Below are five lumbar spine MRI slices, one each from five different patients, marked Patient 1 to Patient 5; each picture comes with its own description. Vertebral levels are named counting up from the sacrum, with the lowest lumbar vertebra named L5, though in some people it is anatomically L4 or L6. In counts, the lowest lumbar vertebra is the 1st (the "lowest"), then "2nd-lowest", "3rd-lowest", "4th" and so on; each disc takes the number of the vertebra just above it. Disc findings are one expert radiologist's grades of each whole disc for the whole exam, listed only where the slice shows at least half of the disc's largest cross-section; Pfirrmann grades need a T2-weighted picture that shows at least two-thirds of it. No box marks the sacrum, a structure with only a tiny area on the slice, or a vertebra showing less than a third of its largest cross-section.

Patient 1 of 5:
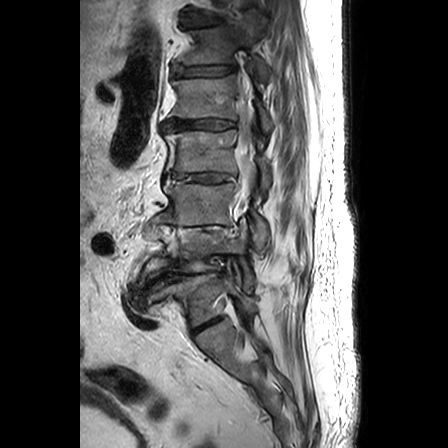 448x448 px. T2-weighted sagittal MRI of the lumbar spine.
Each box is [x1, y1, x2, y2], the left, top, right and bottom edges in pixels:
L1 (5th vertebra) at [169, 75, 274, 132] | L2 (4th vertebra) at [164, 130, 272, 191] | T11/T12 (7th disc) at [182, 17, 223, 26] | L3 (3rd-lowest vertebra) at [161, 181, 269, 254] | intervertebral disc T12/L1 (6th disc) at [172, 66, 234, 77] | L4 (2nd-lowest vertebra) at [140, 223, 254, 292] | L1/L2 (5th disc) at [162, 120, 233, 130] | T12 (6th vertebra) at [175, 16, 270, 85] | intervertebral disc L2/L3 (4th disc) at [171, 173, 232, 182] | L4/L5 (2nd-lowest disc) at [146, 269, 210, 286] | L5 (lowest vertebra) at [159, 272, 255, 327] | intervertebral disc L3/L4 (3rd-lowest disc) at [168, 224, 229, 231] | thecal sac / spinal canal at [237, 80, 255, 205] | L5/S1 (lowest disc) at [193, 319, 216, 332]

Expert MSK radiologist gradings (per disc):
• T12/L1 (6th disc): Pfirrmann grade 4, disc narrowing, disc bulging, disc herniation
• L2/L3 (4th disc): Pfirrmann grade 4, disc bulging, disc narrowing
• L1/L2 (5th disc): Pfirrmann grade 4, disc narrowing, disc bulging
• T11/T12 (7th disc): Pfirrmann grade 3, disc narrowing, disc bulging, upper-endplate change

Patient 2 of 5:
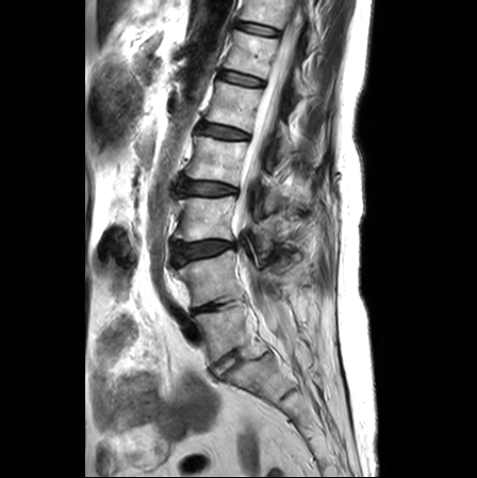

Slice 15 of 25 | Slice spacing 3.3 mm | 477x478 px | Lumbar spine MR, T2-weighted, sagittal

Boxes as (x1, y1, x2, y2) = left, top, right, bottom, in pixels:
L3/L4 — (174, 241, 234, 263) | T12 vertebra — (225, 30, 311, 97) | L5 vertebra — (193, 301, 266, 361) | T11 vertebra — (241, 0, 318, 49) | T12/L1 — (220, 71, 264, 85) | T11/T12 — (239, 22, 279, 35) | L5/S1 — (211, 349, 244, 377) | L3 — (175, 196, 281, 249) | thecal sac / spinal canal — (235, 6, 301, 355) | intervertebral disc L4/L5 — (195, 302, 220, 311) | L2/L3 — (180, 180, 236, 195) | L2 vertebra — (185, 135, 285, 209) | intervertebral disc L1/L2 — (199, 123, 247, 138) | L1 — (205, 81, 324, 164) | L4 — (172, 250, 278, 306)

Degenerative findings by level:
  L1/L2: Pfirrmann grade 2, upper-endplate change, lower-endplate change
  L2/L3: Pfirrmann grade 2, upper-endplate change, lower-endplate change, disc bulging
  T11/T12: Pfirrmann grade 1
  L3/L4: Pfirrmann grade 3, disc bulging, Modic type II, lower-endplate change, upper-endplate change
  L4/L5: Pfirrmann grade 3, disc narrowing
  L5/S1: Pfirrmann grade 1
  T12/L1: Pfirrmann grade 1

Patient 3 of 5:
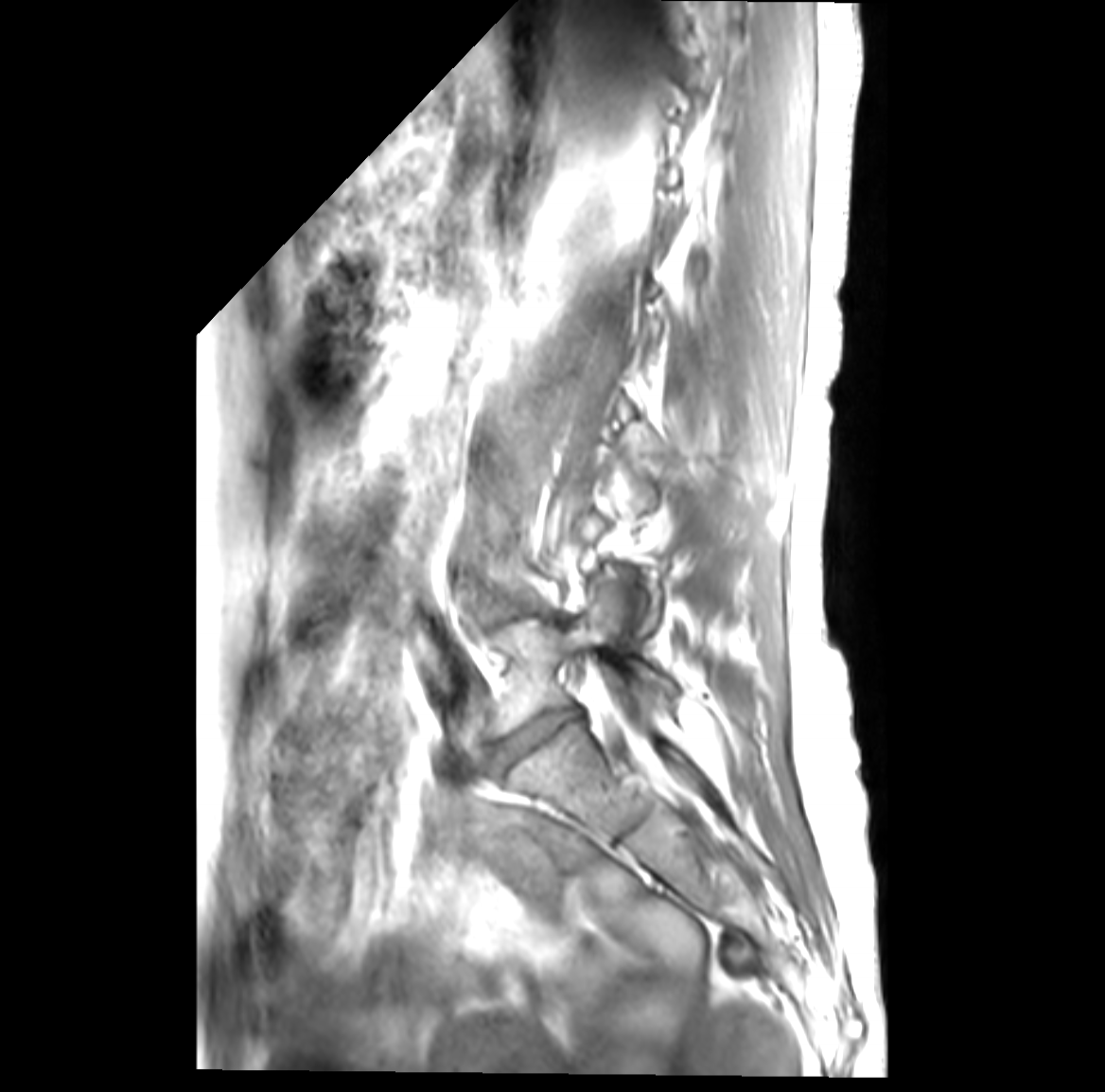 Image 1105x1092; MRI lumbar spine (T1-weighted), sagittal plane; Patient sex: F

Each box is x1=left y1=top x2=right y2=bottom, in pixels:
Intervertebral disc L5/S1 at x1=493 y1=711 x2=576 y2=764, L4/L5 at x1=496 y1=605 x2=523 y2=615, L5 vertebra at x1=490 y1=577 x2=677 y2=735.

Radiological gradings:
- L5/S1: disc narrowing, Modic type II, disc bulging

Patient 4 of 5:
MRI lumbar spine (T2 SPACE (3D)), sagittal plane; SIEMENS Skyra (3T); Slice 57/144
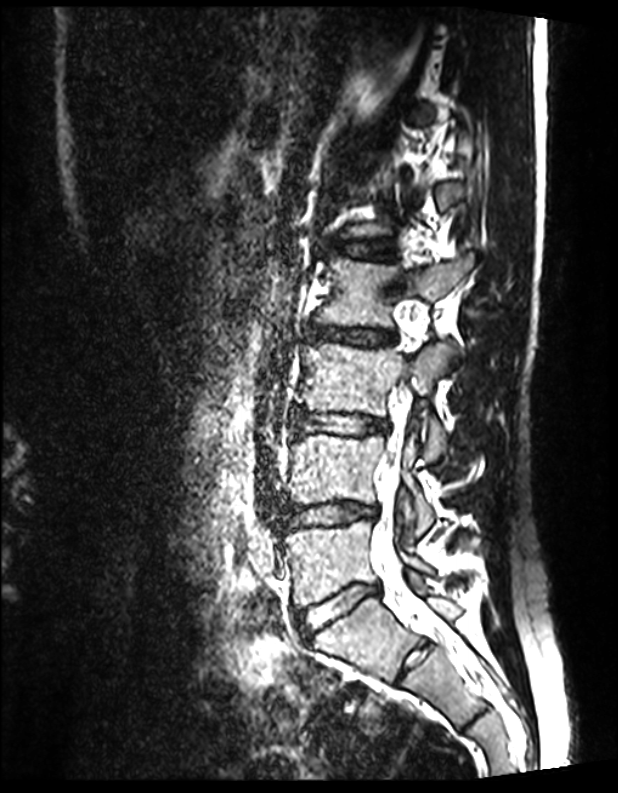

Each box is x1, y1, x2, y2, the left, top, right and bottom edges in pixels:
Annotations:
- intervertebral disc L2/L3 — 307, 324, 395, 346
- L4 vertebra — 287, 433, 433, 535
- L1/L2 — 327, 240, 391, 258
- intervertebral disc L4/L5 — 281, 501, 376, 528
- intervertebral disc L3/L4 — 294, 410, 387, 434
- L5 vertebra — 284, 520, 432, 606
- L5/S1 — 296, 585, 378, 636
- L2 — 317, 253, 474, 327
- L3 — 296, 343, 447, 460
- spinal canal — 372, 383, 457, 647

Per-level radiological findings:
- L5/S1: Pfirrmann grade 1
- L3/L4: Pfirrmann grade 1
- L2/L3: Pfirrmann grade 1
- L4/L5: Pfirrmann grade 1
- L1/L2: no spondylolisthesis, narrowing, bulging, herniation, Modic or endplate change recorded

Patient 5 of 5:
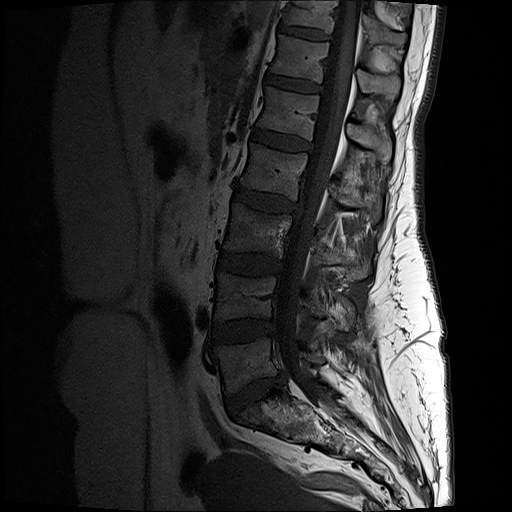 T1-weighted sagittal MRI of the lumbar spine | 512x512 px
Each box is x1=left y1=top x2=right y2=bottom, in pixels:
L4: x1=214 y1=272 x2=355 y2=329 | T12/L1: x1=266 y1=74 x2=321 y2=91 | L2: x1=242 y1=143 x2=381 y2=222 | T12: x1=271 y1=34 x2=401 y2=97 | intervertebral disc L1/L2: x1=252 y1=129 x2=312 y2=149 | T11: x1=283 y1=0 x2=407 y2=46 | intervertebral disc L5/S1: x1=227 y1=376 x2=281 y2=414 | spinal canal: x1=277 y1=0 x2=361 y2=411 | L5: x1=217 y1=338 x2=321 y2=393 | L1: x1=258 y1=86 x2=392 y2=163 | L3 vertebra: x1=223 y1=203 x2=370 y2=279 | intervertebral disc L3/L4: x1=219 y1=252 x2=280 y2=274 | intervertebral disc L4/L5: x1=211 y1=318 x2=275 y2=341 | T11/T12: x1=278 y1=24 x2=331 y2=41 | L2/L3: x1=234 y1=186 x2=299 y2=213

Degenerative findings by level:
- L5/S1: lower-endplate change, upper-endplate change, disc narrowing, disc herniation
- L4/L5: disc bulging
- L2/L3: disc bulging
- T11/T12, T12/L1, L1/L2, L3/L4: no herniation, bulging, narrowing, spondylolisthesis, endplate or Modic change recorded